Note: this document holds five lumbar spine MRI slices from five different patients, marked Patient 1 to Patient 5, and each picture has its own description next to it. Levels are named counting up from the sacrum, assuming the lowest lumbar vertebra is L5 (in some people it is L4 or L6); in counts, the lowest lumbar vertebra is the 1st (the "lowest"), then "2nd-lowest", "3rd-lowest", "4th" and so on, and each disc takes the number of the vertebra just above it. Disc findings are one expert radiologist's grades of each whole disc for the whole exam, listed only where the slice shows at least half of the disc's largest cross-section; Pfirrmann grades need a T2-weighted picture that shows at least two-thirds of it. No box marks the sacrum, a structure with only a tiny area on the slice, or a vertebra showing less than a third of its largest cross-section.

Patient 1 of 5:
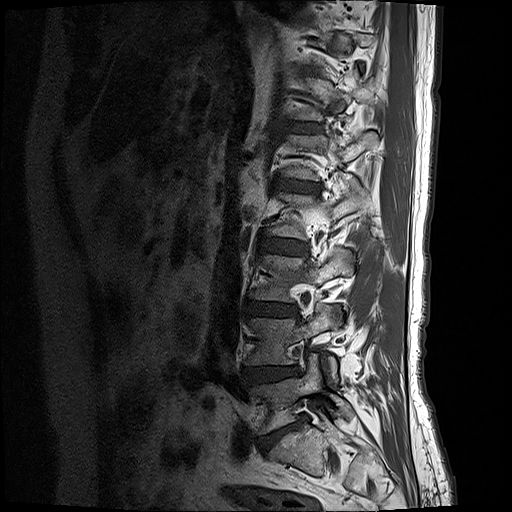 Sagittal T1-weighted lumbar spine MRI.

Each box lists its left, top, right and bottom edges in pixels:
T12/L1 (6th disc) at left=291, top=123, right=320, bottom=132; L2/L3 (4th disc) at left=261, top=235, right=308, bottom=256; L4 (2nd-lowest vertebra) at left=246, top=305, right=340, bottom=381; L4/L5 (2nd-lowest disc) at left=243, top=364, right=297, bottom=386; IVD L3/L4 (3rd-lowest disc) at left=245, top=299, right=296, bottom=315; L3 (3rd-lowest vertebra) at left=251, top=248, right=352, bottom=301; L1/L2 (5th disc) at left=275, top=177, right=320, bottom=194; IVD L5/S1 (lowest disc) at left=257, top=416, right=308, bottom=452; L5 (lowest vertebra) at left=252, top=358, right=352, bottom=434.

Degenerative findings by level:
  L1/L2 (5th disc): lower-endplate change, upper-endplate change, disc narrowing, disc bulging, Modic type II
  L3/L4 (3rd-lowest disc): lower-endplate change, disc bulging, Modic type II, disc narrowing
  L4/L5 (2nd-lowest disc): disc bulging, disc herniation
  L2/L3 (4th disc): disc bulging

Patient 2 of 5:
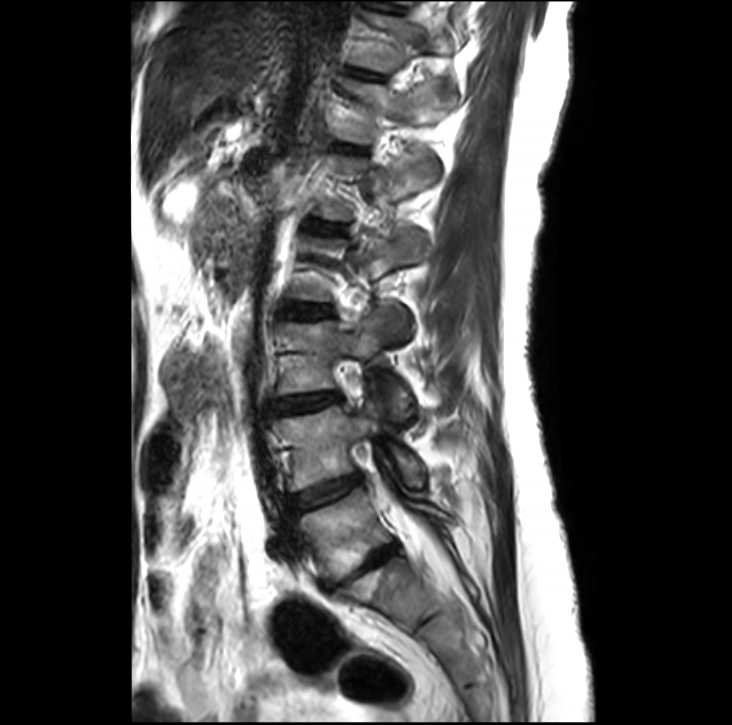 Lumbar spine MR, T2-weighted, sagittal. Image 732x725. Patient sex: F.
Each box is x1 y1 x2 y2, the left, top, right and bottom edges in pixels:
{"IVD L2/L3": "286 304 330 318", "L5": "296 488 448 578", "L4/L5": "289 475 360 512", "L1 vertebra": "315 143 440 220", "T11/T12": "356 72 382 79", "L4": "275 384 424 490", "L1/L2": "310 219 339 233", "L3": "279 314 417 420", "IVD L5/S1": "323 544 398 593", "IVD L3/L4": "273 395 337 410", "thecal sac / spinal canal": "430 558 443 581", "L2": "293 232 427 344", "T12 vertebra": "337 80 454 142"}

Radiological gradings:
• L3/L4: Pfirrmann grade 2, disc bulging
• L5/S1: Pfirrmann grade 5, lower-endplate change, disc bulging, disc narrowing, upper-endplate change, Modic type II
• L4/L5: Pfirrmann grade 3, disc bulging

Patient 3 of 5:
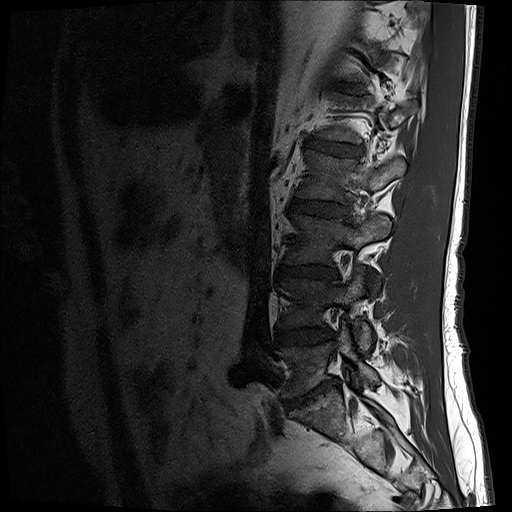 MRI lumbar spine (T1-weighted), sagittal plane. Slice 16 of 17. Slice spacing 3.3 mm.
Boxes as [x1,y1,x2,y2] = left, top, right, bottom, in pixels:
Annotations:
- L5 = [276,324,378,397]
- L3 = [285,214,390,265]
- L1/L2 = [309,140,356,157]
- intervertebral disc L5/S1 = [286,379,337,406]
- L4/L5 = [276,329,328,344]
- L2 = [297,150,405,202]
- L3/L4 = [279,265,335,277]
- intervertebral disc T12/L1 = [342,86,360,92]
- L2/L3 = [291,200,346,217]
- L4 vertebra = [279,269,372,349]

Radiological gradings:
  L5/S1: Modic type II, disc bulging, disc narrowing
  L4/L5: disc bulging, disc narrowing
  L3/L4: disc narrowing, lower-endplate change, disc bulging
  L2/L3: disc bulging
  L1/L2: no herniation, bulging, narrowing, spondylolisthesis, endplate or Modic change recorded

Patient 4 of 5:
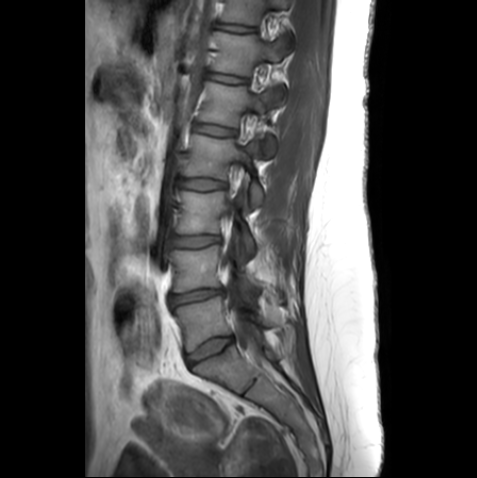 Sagittal slice index 9 | Sagittal T1-weighted lumbar spine MRI

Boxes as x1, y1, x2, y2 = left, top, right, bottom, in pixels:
L3/L4: 173, 235, 219, 246.
L4: 171, 245, 260, 301.
L2/L3: 178, 178, 224, 189.
T11 vertebra: 221, 0, 291, 24.
Disc L5/S1: 187, 337, 232, 365.
L1 vertebra: 200, 82, 274, 157.
L3: 178, 191, 254, 258.
T12 vertebra: 212, 32, 286, 74.
Disc T12/L1: 209, 73, 245, 83.
Disc L1/L2: 194, 124, 234, 135.
L5: 173, 296, 271, 351.
L4/L5: 168, 288, 225, 305.
L2: 183, 135, 262, 208.
Thecal sac / spinal canal: 222, 157, 271, 375.
T11/T12: 217, 22, 254, 32.

Expert MSK radiologist gradings (per disc):
• L4/L5: disc narrowing, disc bulging
• L5/S1, L1/L2, L2/L3, T12/L1, T11/T12, L3/L4: no herniation, bulging, narrowing, spondylolisthesis, endplate or Modic change recorded

Patient 5 of 5:
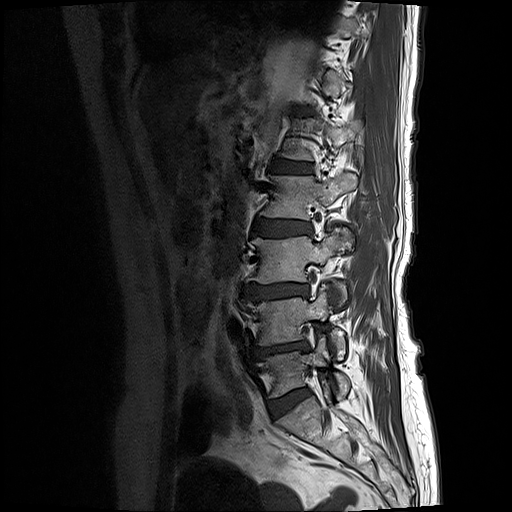 512x512 px. Sagittal T1-weighted lumbar spine MRI.
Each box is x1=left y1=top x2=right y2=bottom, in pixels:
Structures:
• L2 (4th vertebra): x1=259 y1=172 x2=357 y2=220
• T12/L1 (6th disc): x1=291 y1=108 x2=312 y2=114
• L4 (2nd-lowest vertebra): x1=243 y1=286 x2=346 y2=360
• L5/S1 (lowest disc): x1=270 y1=389 x2=310 y2=418
• IVD L3/L4 (3rd-lowest disc): x1=244 y1=284 x2=310 y2=299
• IVD L1/L2 (5th disc): x1=274 y1=159 x2=313 y2=172
• L4/L5 (2nd-lowest disc): x1=249 y1=342 x2=310 y2=360
• IVD L2/L3 (4th disc): x1=257 y1=218 x2=313 y2=236
• L3 (3rd-lowest vertebra): x1=248 y1=230 x2=350 y2=305
• L1 (5th vertebra): x1=279 y1=118 x2=362 y2=160
• L5 (lowest vertebra): x1=257 y1=336 x2=350 y2=397

Degenerative findings by level:
• L3/L4 (3rd-lowest disc): upper-endplate change, lower-endplate change, disc narrowing, disc bulging, Modic type II
• L5/S1 (lowest disc): disc bulging
• L2/L3 (4th disc): upper-endplate change, Modic type II, lower-endplate change, disc bulging
• L1/L2 (5th disc): Modic type II, lower-endplate change, upper-endplate change
• L4/L5 (2nd-lowest disc): lower-endplate change, disc bulging, Modic type II, upper-endplate change, disc narrowing